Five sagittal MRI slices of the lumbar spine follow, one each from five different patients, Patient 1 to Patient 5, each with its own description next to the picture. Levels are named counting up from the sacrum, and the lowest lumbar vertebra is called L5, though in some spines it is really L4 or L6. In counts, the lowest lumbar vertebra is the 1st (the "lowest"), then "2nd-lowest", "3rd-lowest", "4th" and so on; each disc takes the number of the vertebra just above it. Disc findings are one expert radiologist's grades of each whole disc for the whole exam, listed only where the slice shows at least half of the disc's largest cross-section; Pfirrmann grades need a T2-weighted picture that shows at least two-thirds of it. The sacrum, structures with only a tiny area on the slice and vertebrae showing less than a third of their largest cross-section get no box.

Patient 1 of 5:
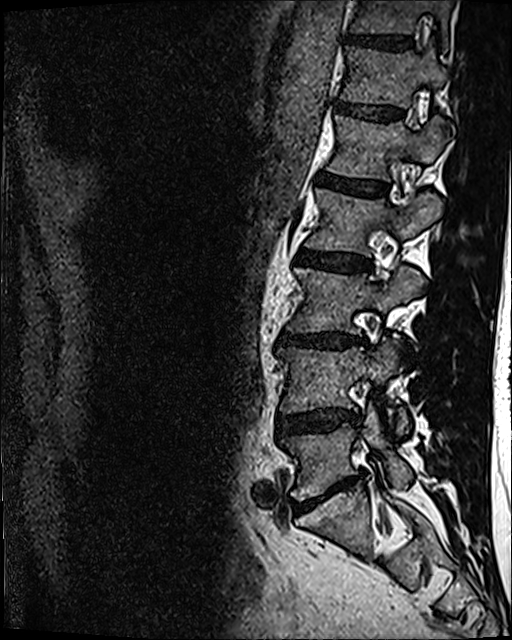
Slice 45/120. Sagittal T2 SPACE (3D) lumbar spine MRI.

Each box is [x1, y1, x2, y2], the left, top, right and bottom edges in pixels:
L1: [329, 115, 446, 181]
L3/L4: [278, 331, 366, 348]
T12/L1: [335, 102, 403, 119]
L4: [277, 341, 408, 433]
IVD L4/L5: [277, 407, 359, 434]
T11: [350, 0, 452, 49]
L3 vertebra: [288, 266, 424, 333]
L1/L2: [318, 172, 386, 196]
L2/L3: [297, 250, 369, 271]
T11/T12: [346, 34, 412, 50]
L2 vertebra: [305, 189, 442, 255]
L5: [281, 405, 412, 499]
T12 vertebra: [340, 44, 446, 106]
L5/S1: [295, 474, 358, 509]

Degenerative findings by level:
  L3/L4: Pfirrmann grade 4, lower-endplate change, disc bulging, disc narrowing
  L2/L3: Pfirrmann grade 3, disc bulging
  T11/T12: Pfirrmann grade 4
  T12/L1: Pfirrmann grade 3
  L4/L5: Pfirrmann grade 3, disc bulging, disc narrowing
  L1/L2: Pfirrmann grade 4

Patient 2 of 5:
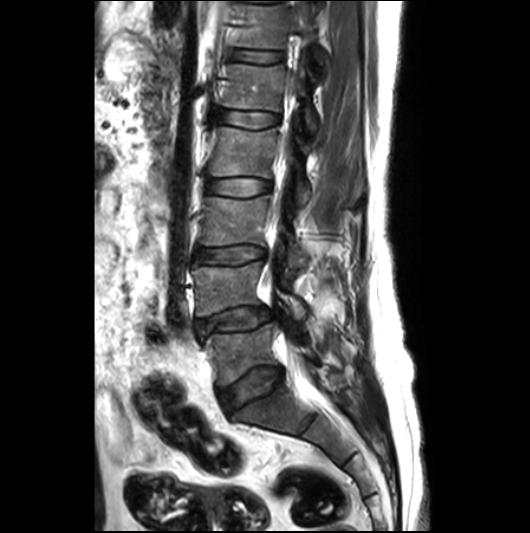
Patient sex: M. Slice 10/26. Lumbar spine MR, T2-weighted, sagittal.
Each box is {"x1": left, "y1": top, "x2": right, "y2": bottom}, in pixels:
L5 at {"x1": 204, "y1": 324, "x2": 318, "y2": 385}, disc L1/L2 at {"x1": 217, "y1": 110, "x2": 278, "y2": 128}, thecal sac / spinal canal at {"x1": 286, "y1": 344, "x2": 307, "y2": 379}, L3 at {"x1": 200, "y1": 196, "x2": 305, "y2": 266}, disc L3/L4 at {"x1": 195, "y1": 246, "x2": 265, "y2": 263}, L1 vertebra at {"x1": 220, "y1": 56, "x2": 318, "y2": 137}, L2 at {"x1": 209, "y1": 127, "x2": 310, "y2": 203}, disc L5/S1 at {"x1": 219, "y1": 367, "x2": 283, "y2": 412}, disc L2/L3 at {"x1": 207, "y1": 178, "x2": 270, "y2": 198}, L4/L5 at {"x1": 196, "y1": 307, "x2": 271, "y2": 333}, L4 vertebra at {"x1": 193, "y1": 262, "x2": 307, "y2": 318}, T12/L1 at {"x1": 232, "y1": 50, "x2": 283, "y2": 64}, T12 at {"x1": 234, "y1": 4, "x2": 324, "y2": 64}.

Expert MSK radiologist gradings (per disc):
- L5/S1: Pfirrmann grade 3, disc bulging
- L3/L4: Pfirrmann grade 3, upper-endplate change, disc bulging
- L2/L3: Pfirrmann grade 2
- T12/L1: lower-endplate change
- L4/L5: Pfirrmann grade 3, disc herniation, Modic type II, disc narrowing, disc bulging
- L1/L2: Pfirrmann grade 2

Patient 3 of 5:
Scanner: Philips Healthcare Ingenia (3T), Patient sex: F, T1-weighted sagittal MRI of the lumbar spine

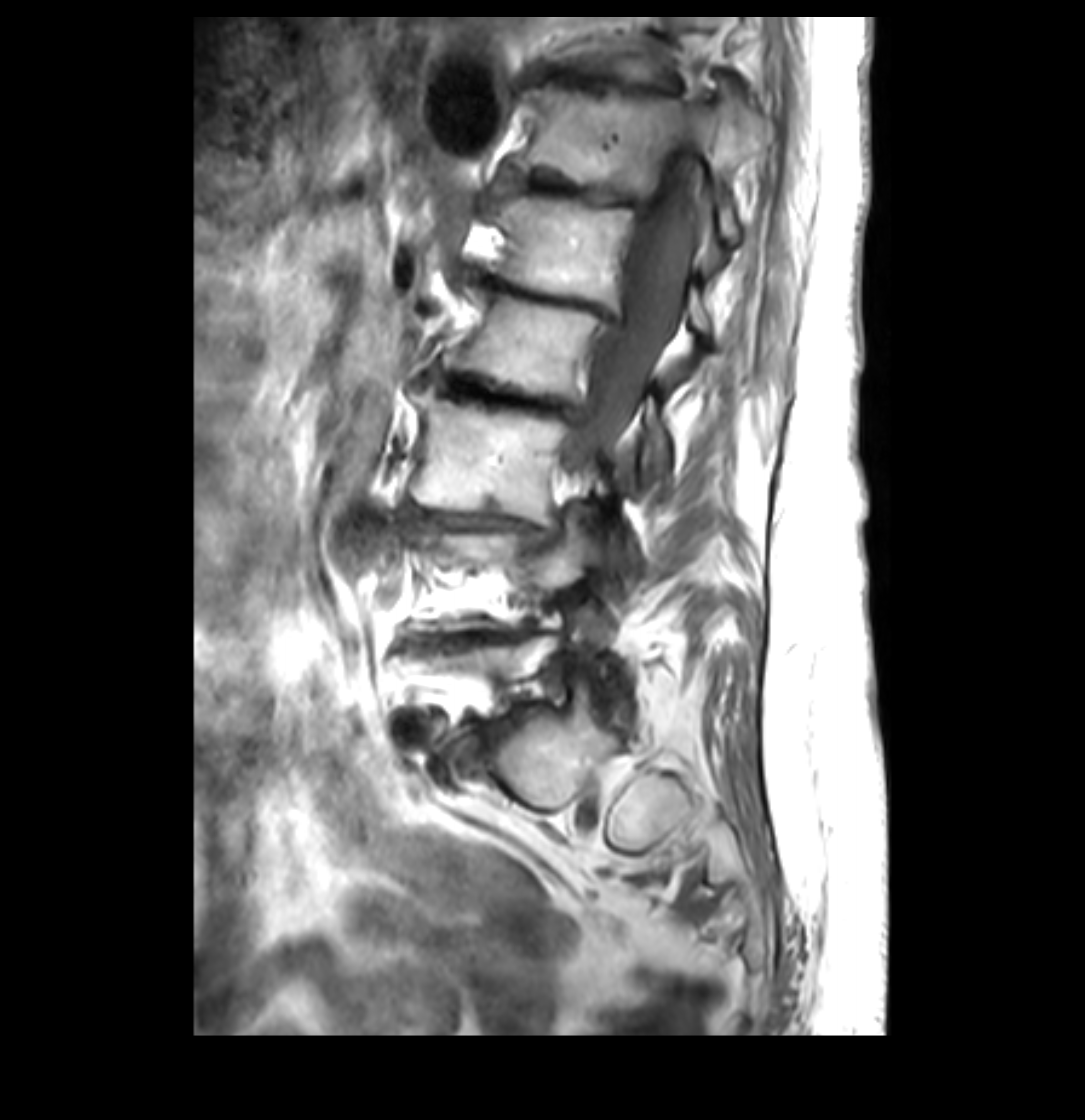
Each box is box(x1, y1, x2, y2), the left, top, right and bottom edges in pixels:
L2/L3 (4th disc): box(436, 371, 588, 423).
L4/L5 (2nd-lowest disc): box(412, 625, 532, 648).
L1 (5th vertebra): box(492, 197, 721, 332).
Intervertebral disc T12/L1 (6th disc): box(499, 175, 654, 216).
Intervertebral disc L5/S1 (lowest disc): box(470, 718, 516, 751).
L2 (4th vertebra): box(443, 290, 666, 463).
L3 (3rd-lowest vertebra): box(412, 388, 608, 525).
T12 (6th vertebra): box(516, 76, 763, 241).
L1/L2 (5th disc): box(467, 266, 617, 322).
T11/T12 (7th disc): box(533, 61, 685, 99).
Thecal sac / spinal canal: box(562, 141, 709, 485).
Intervertebral disc L3/L4 (3rd-lowest disc): box(407, 509, 549, 539).

Radiological gradings:
  L3/L4 (3rd-lowest disc): disc bulging, disc narrowing, upper-endplate change, lower-endplate change, Modic type II
  T11/T12 (7th disc): disc narrowing, Modic type II, lower-endplate change, upper-endplate change, disc bulging
  T12/L1 (6th disc): lower-endplate change, upper-endplate change, Modic type II, disc bulging, disc narrowing

Patient 4 of 5:
Slice 22 of 27. MRI lumbar spine (T1-weighted), sagittal plane. Field of view 300x304 mm. 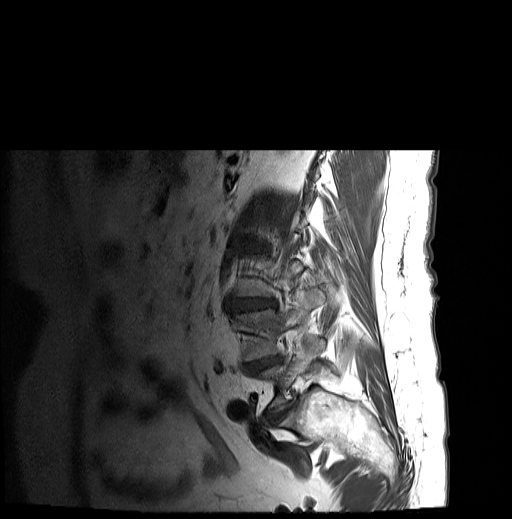 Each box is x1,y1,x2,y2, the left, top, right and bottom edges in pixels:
{"L5 (lowest vertebra)": "256,337,324,410", "IVD L4/L5 (2nd-lowest disc)": "243,356,282,372", "IVD L3/L4 (3rd-lowest disc)": "230,299,276,311", "L4 (2nd-lowest vertebra)": "234,292,321,361", "L5/S1 (lowest disc)": "265,400,295,425"}

Per-level radiological findings:
- L4/L5 (2nd-lowest disc): upper-endplate change, disc bulging, lower-endplate change, Modic type II, disc narrowing
- L3/L4 (3rd-lowest disc): Modic type II, lower-endplate change, upper-endplate change, disc bulging, disc narrowing

Patient 5 of 5:
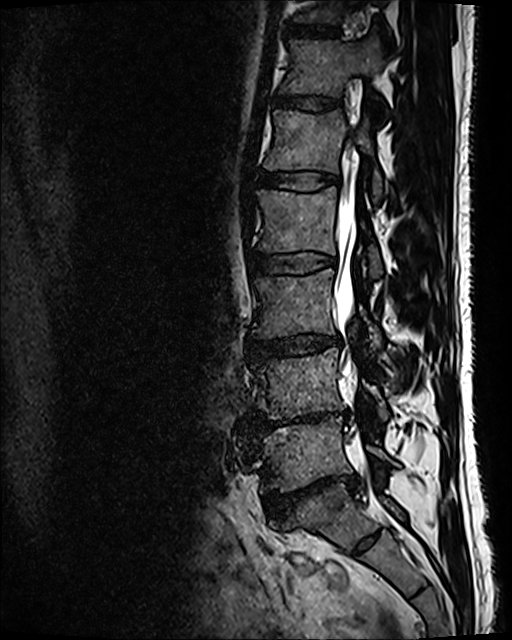

512x640 px. Lumbar spine MR, T2 SPACE (3D), sagittal.

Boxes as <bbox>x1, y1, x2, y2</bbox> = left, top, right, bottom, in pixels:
T11/T12: <bbox>283, 26, 339, 39</bbox>
intervertebral disc L3/L4: <bbox>248, 335, 340, 359</bbox>
L4 vertebra: <bbox>253, 348, 389, 420</bbox>
intervertebral disc T12/L1: <bbox>275, 95, 341, 110</bbox>
spinal canal: <bbox>333, 128, 414, 551</bbox>
T12: <bbox>280, 38, 381, 95</bbox>
L1 vertebra: <bbox>264, 109, 381, 198</bbox>
L2 vertebra: <bbox>257, 187, 382, 277</bbox>
intervertebral disc L2/L3: <bbox>250, 253, 335, 275</bbox>
L5 vertebra: <bbox>258, 420, 397, 494</bbox>
T11 vertebra: <bbox>293, 0, 385, 24</bbox>
L4/L5: <bbox>248, 411, 339, 428</bbox>
intervertebral disc L1/L2: <bbox>258, 171, 338, 190</bbox>
L3: <bbox>252, 269, 380, 348</bbox>
intervertebral disc L5/S1: <bbox>264, 474, 358, 521</bbox>

Radiological gradings:
  L3/L4: Pfirrmann grade 3, disc bulging, disc narrowing
  L1/L2: Pfirrmann grade 2
  T11/T12: Pfirrmann grade 2
  T12/L1: Pfirrmann grade 2
  L5/S1: Pfirrmann grade 5, spondylolisthesis, disc narrowing, lower-endplate change, disc bulging
  L2/L3: Pfirrmann grade 2